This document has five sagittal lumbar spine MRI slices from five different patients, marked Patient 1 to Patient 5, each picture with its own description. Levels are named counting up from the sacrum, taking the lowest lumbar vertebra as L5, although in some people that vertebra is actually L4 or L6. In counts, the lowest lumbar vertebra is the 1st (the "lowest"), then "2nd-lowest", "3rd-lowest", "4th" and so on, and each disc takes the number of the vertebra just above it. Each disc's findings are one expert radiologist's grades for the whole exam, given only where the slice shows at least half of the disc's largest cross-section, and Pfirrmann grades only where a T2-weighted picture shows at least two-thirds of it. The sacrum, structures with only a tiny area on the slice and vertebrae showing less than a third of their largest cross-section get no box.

Patient 1 of 5:
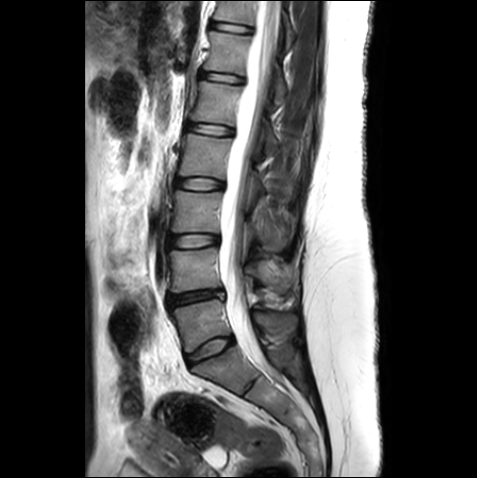
Lumbar spine MR, T2-weighted, sagittal. 477x478 px.
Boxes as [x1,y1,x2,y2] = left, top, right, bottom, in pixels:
T12 vertebra: [204,31,285,101]
L3 vertebra: [172,191,291,251]
L2/L3: [176,178,222,189]
thecal sac / spinal canal: [219,0,280,369]
disc T12/L1: [201,71,243,82]
disc L3/L4: [168,234,218,247]
L4 vertebra: [169,247,298,292]
L5/S1: [186,337,233,365]
L1/L2: [187,123,232,135]
L5 vertebra: [171,299,296,352]
L2: [179,133,291,199]
disc T11/T12: [210,21,250,32]
T11: [214,0,294,50]
disc L4/L5: [168,289,225,305]
L1: [192,81,277,153]

Expert MSK radiologist gradings (per disc):
  L2/L3: Pfirrmann grade 1
  L4/L5: Pfirrmann grade 3, disc bulging, disc narrowing
  L3/L4: Pfirrmann grade 1
  L1/L2: Pfirrmann grade 1
  T12/L1: Pfirrmann grade 1
  L5/S1: Pfirrmann grade 1
  T11/T12: Pfirrmann grade 1

Patient 2 of 5:
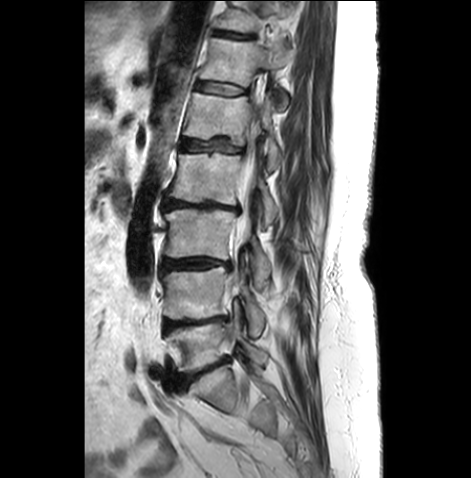 Patient sex: F. Lumbar spine MR, T2-weighted, sagittal. Slice 18/26.

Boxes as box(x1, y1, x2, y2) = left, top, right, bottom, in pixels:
L5 (lowest vertebra) = box(166, 317, 267, 372).
Disc L3/L4 (3rd-lowest disc) = box(162, 258, 230, 271).
L3 (3rd-lowest vertebra) = box(164, 208, 271, 288).
L1/L2 (5th disc) = box(182, 140, 240, 152).
L4 (2nd-lowest vertebra) = box(162, 265, 265, 336).
Disc L2/L3 (4th disc) = box(164, 199, 239, 212).
Disc T11/T12 (7th disc) = box(214, 30, 254, 38).
Disc L5/S1 (lowest disc) = box(178, 358, 228, 388).
Disc L4/L5 (2nd-lowest disc) = box(164, 317, 226, 331).
L2 (4th vertebra) = box(169, 153, 278, 227).
L1 (5th vertebra) = box(183, 92, 282, 173).
Thecal sac / spinal canal = box(234, 99, 259, 287).
T11 (7th vertebra) = box(215, 1, 293, 32).
T12 (6th vertebra) = box(199, 38, 290, 111).
Disc T12/L1 (6th disc) = box(196, 82, 245, 95).

Expert MSK radiologist gradings (per disc):
- T12/L1 (6th disc): Pfirrmann grade 3, upper-endplate change, disc bulging, lower-endplate change
- L2/L3 (4th disc): disc narrowing, lower-endplate change, disc bulging, Modic type II, upper-endplate change
- T11/T12 (7th disc): Pfirrmann grade 3, lower-endplate change, disc bulging, upper-endplate change
- L4/L5 (2nd-lowest disc): disc narrowing, lower-endplate change, upper-endplate change, Modic type II, disc bulging
- L1/L2 (5th disc): Pfirrmann grade 3, disc bulging, upper-endplate change, Modic type II, lower-endplate change
- L5/S1 (lowest disc): disc narrowing, disc bulging, Modic type II
- L3/L4 (3rd-lowest disc): Pfirrmann grade 4, Modic type II, disc bulging, disc narrowing

Patient 3 of 5:
Sagittal T1-weighted lumbar spine MRI; 477x478 px
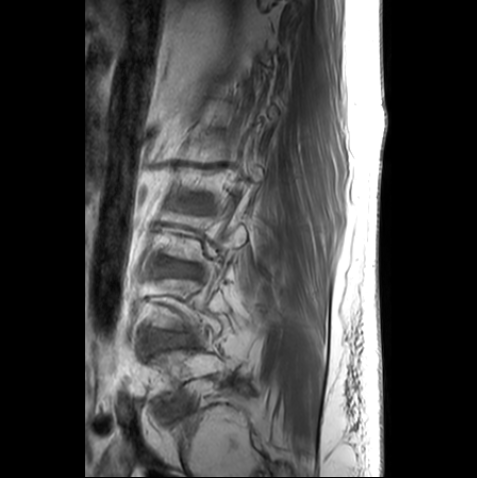

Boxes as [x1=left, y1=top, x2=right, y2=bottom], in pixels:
Disc L2/L3 at [x1=189, y1=197, x2=206, y2=207], L4/L5 at [x1=150, y1=330, x2=189, y2=349], L3/L4 at [x1=159, y1=259, x2=201, y2=276].

Patient 4 of 5:
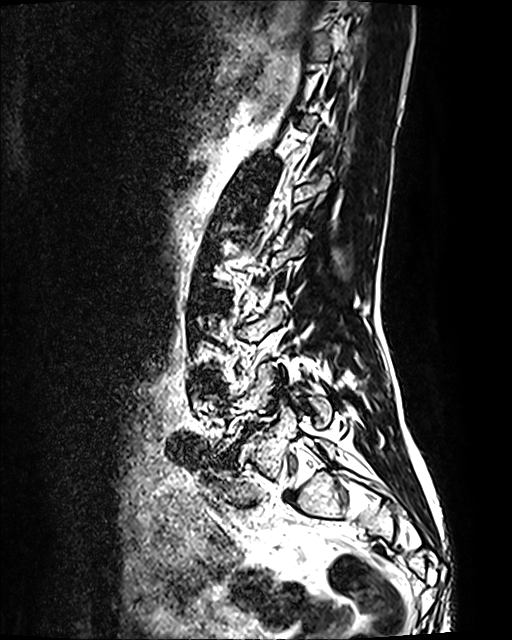 Sex F, T2 SPACE (3D) sagittal MRI of the lumbar spine

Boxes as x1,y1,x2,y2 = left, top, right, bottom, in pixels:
Annotations:
• L5 at 210,364,332,455
• disc L4/L5 at 206,379,214,388
• L5/S1 at 216,424,258,467
• disc L3/L4 at 197,292,217,305

Patient 5 of 5:
Sex F, T2 SPACE (3D) sagittal MRI of the lumbar spine, SIEMENS Avanto_fit (1.5T)
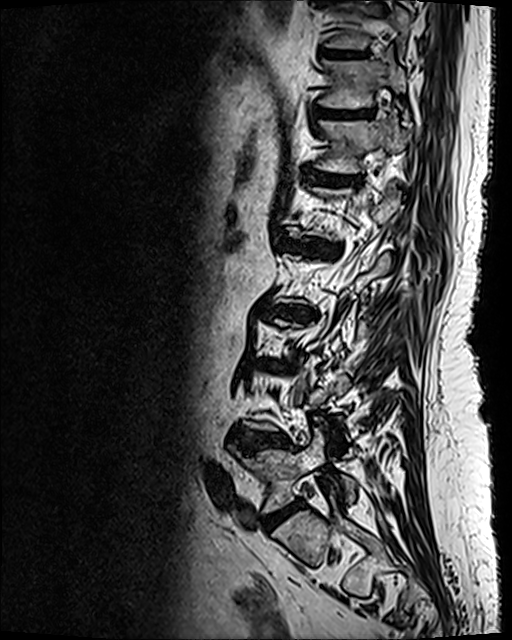 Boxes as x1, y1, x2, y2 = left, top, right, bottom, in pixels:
* T11/T12 — 321, 111, 372, 118
* T12 — 316, 113, 411, 173
* intervertebral disc T10/T11 — 322, 49, 363, 58
* L5/S1 — 264, 503, 299, 529
* intervertebral disc T12/L1 — 307, 174, 359, 184
* intervertebral disc L4/L5 — 233, 430, 289, 451
* intervertebral disc L1/L2 — 286, 240, 340, 256
* L2/L3 — 260, 300, 316, 320
* T11 — 319, 59, 406, 108
* L5 vertebra — 237, 429, 354, 511

Expert MSK radiologist gradings (per disc):
- L1/L2: Pfirrmann grade 5, upper-endplate change, Modic type II, disc bulging, disc narrowing, lower-endplate change
- L4/L5: lower-endplate change, upper-endplate change, disc bulging
- T10/T11: lower-endplate change, upper-endplate change
- T11/T12: Pfirrmann grade 4, upper-endplate change, lower-endplate change
- L2/L3: Pfirrmann grade 5, lower-endplate change, disc narrowing, upper-endplate change, disc bulging, Modic type II
- T12/L1: Modic type II, upper-endplate change, lower-endplate change